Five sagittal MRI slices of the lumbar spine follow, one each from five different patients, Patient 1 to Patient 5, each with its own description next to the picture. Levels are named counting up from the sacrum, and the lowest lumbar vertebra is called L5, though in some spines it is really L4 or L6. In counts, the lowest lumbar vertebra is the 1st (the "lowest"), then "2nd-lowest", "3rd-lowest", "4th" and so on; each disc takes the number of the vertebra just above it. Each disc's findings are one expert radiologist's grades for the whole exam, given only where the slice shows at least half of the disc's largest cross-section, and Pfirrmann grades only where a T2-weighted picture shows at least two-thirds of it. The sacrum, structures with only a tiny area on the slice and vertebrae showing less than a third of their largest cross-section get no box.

Patient 1 of 5:
Lumbar spine MR, T2 SPACE (3D), sagittal; Slice 65 of 120; Field of view 240x300 mm

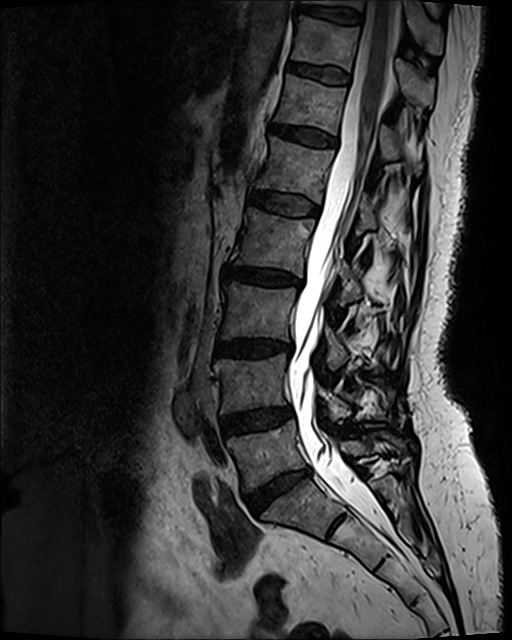
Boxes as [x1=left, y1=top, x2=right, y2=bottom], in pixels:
T10 vertebra: [x1=301, y1=0, x2=443, y2=51]
L5/S1: [x1=247, y1=470, x2=309, y2=514]
L1 vertebra: [x1=257, y1=137, x2=377, y2=229]
L3 vertebra: [x1=221, y1=281, x2=346, y2=369]
T12: [x1=275, y1=74, x2=421, y2=174]
intervertebral disc T11/T12: [x1=288, y1=63, x2=348, y2=83]
T12/L1: [x1=269, y1=124, x2=336, y2=146]
intervertebral disc L2/L3: [x1=223, y1=263, x2=300, y2=284]
L2 vertebra: [x1=231, y1=208, x2=361, y2=304]
T10/T11: [x1=295, y1=5, x2=361, y2=24]
T11: [x1=291, y1=16, x2=434, y2=105]
intervertebral disc L4/L5: [x1=223, y1=408, x2=291, y2=432]
intervertebral disc L3/L4: [x1=214, y1=339, x2=290, y2=354]
L4: [x1=214, y1=353, x2=350, y2=419]
intervertebral disc L1/L2: [x1=250, y1=191, x2=317, y2=215]
spinal canal: [x1=288, y1=1, x2=394, y2=534]
L5: [x1=227, y1=421, x2=405, y2=491]

Degenerative findings by level:
  L1/L2: Pfirrmann grade 2
  T10/T11: Pfirrmann grade 2
  T11/T12: Pfirrmann grade 2
  L3/L4: Pfirrmann grade 4, disc bulging, upper-endplate change, Modic type II, disc narrowing, lower-endplate change
  L2/L3: Pfirrmann grade 4, upper-endplate change, disc narrowing, lower-endplate change, Modic type II, disc bulging
  T12/L1: Pfirrmann grade 3, disc bulging
  L4/L5: Pfirrmann grade 3, disc bulging
  L5/S1: Pfirrmann grade 4, disc narrowing, disc bulging

Patient 2 of 5:
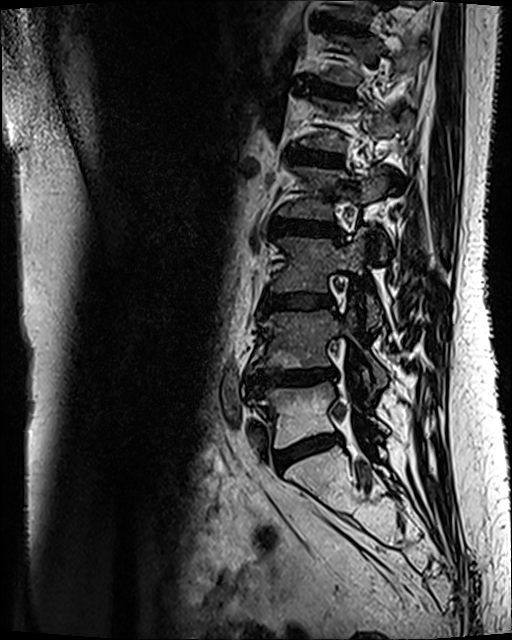
Patient sex: F, T2 SPACE (3D) sagittal MRI of the lumbar spine, Field of view 240x300 mm, slice spacing 0.9 mm

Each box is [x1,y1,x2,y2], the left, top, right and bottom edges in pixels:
L5: [253,382,388,448]
L4/L5: [245,368,335,395]
intervertebral disc L1/L2: [292,149,342,166]
L4: [249,306,387,397]
intervertebral disc T12/L1: [306,81,349,96]
intervertebral disc L5/S1: [275,434,342,471]
intervertebral disc L2/L3: [271,216,338,237]
L3: [271,229,381,326]
intervertebral disc L3/L4: [262,295,333,310]
T11/T12: [318,18,363,32]
L2: [280,167,391,259]

Radiological gradings:
- T11/T12: lower-endplate change, upper-endplate change, Modic type II
- L5/S1: Modic type II, disc bulging
- T12/L1: Modic type II
- L4/L5: Pfirrmann grade 4, Modic type II, lower-endplate change, disc bulging, disc narrowing, upper-endplate change
- L1/L2: Modic type II
- L3/L4: Pfirrmann grade 3, disc bulging, Modic type II
- L2/L3: Pfirrmann grade 3, disc bulging, Modic type II

Patient 3 of 5:
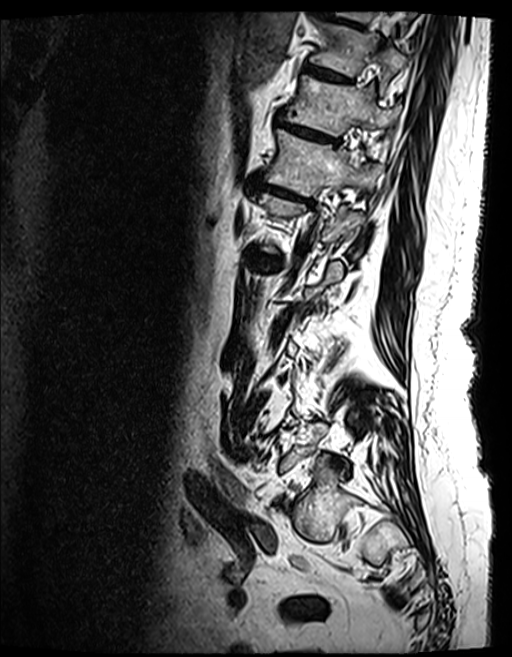

Sex F, MRI lumbar spine (T2 SPACE (3D)), sagittal plane
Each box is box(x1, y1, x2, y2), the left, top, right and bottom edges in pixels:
Structures:
- T12 vertebra = box(265, 129, 367, 196)
- IVD T9/T10 = box(315, 2, 362, 27)
- T10 vertebra = box(310, 21, 406, 82)
- T11 vertebra = box(285, 76, 397, 135)
- IVD T12/L1 = box(257, 183, 311, 203)
- T10/T11 = box(305, 65, 350, 82)
- T11/T12 = box(280, 122, 336, 142)

Per-level radiological findings:
• T12/L1: Pfirrmann grade 4, lower-endplate change, disc narrowing, disc bulging, Modic type II, upper-endplate change
• T9/T10: Pfirrmann grade 4, lower-endplate change, Modic type II, disc bulging, upper-endplate change
• T10/T11: Pfirrmann grade 4, Modic type II, upper-endplate change, lower-endplate change
• T11/T12: Pfirrmann grade 5, upper-endplate change, disc narrowing, disc bulging, Modic type II, lower-endplate change

Patient 4 of 5:
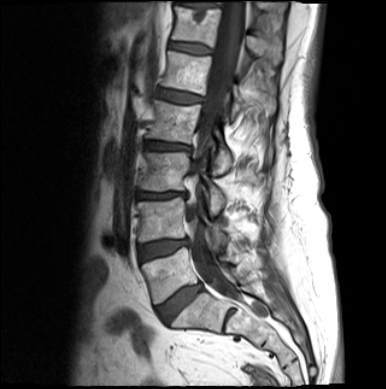 T1-weighted sagittal MRI of the lumbar spine. 386x389 px.

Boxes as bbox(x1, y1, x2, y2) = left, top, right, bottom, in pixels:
L1 = bbox(160, 51, 275, 117).
L2/L3 = bbox(146, 141, 192, 151).
Spinal canal = bbox(186, 1, 244, 299).
L5/S1 = bbox(158, 284, 201, 322).
L5 vertebra = bbox(142, 247, 233, 303).
L3 = bbox(140, 152, 226, 214).
Intervertebral disc T12/L1 = bbox(169, 42, 210, 53).
L2 = bbox(147, 100, 270, 174).
Intervertebral disc L4/L5 = bbox(139, 238, 191, 261).
Intervertebral disc L1/L2 = bbox(157, 89, 201, 102).
T12 = bbox(171, 6, 282, 64).
Intervertebral disc L3/L4 = bbox(137, 191, 189, 198).
L4 vertebra = bbox(137, 197, 227, 244).

Expert MSK radiologist gradings (per disc):
• L1/L2: disc bulging
• L2/L3: disc bulging
• L3/L4: disc narrowing, disc bulging
• L4/L5: disc bulging
• L5/S1: disc bulging
• T12/L1: no herniation, bulging, narrowing, spondylolisthesis, endplate or Modic change recorded

Patient 5 of 5:
T2 SPACE (3D) sagittal MRI of the lumbar spine; Slice 39 of 120; 512x640 px

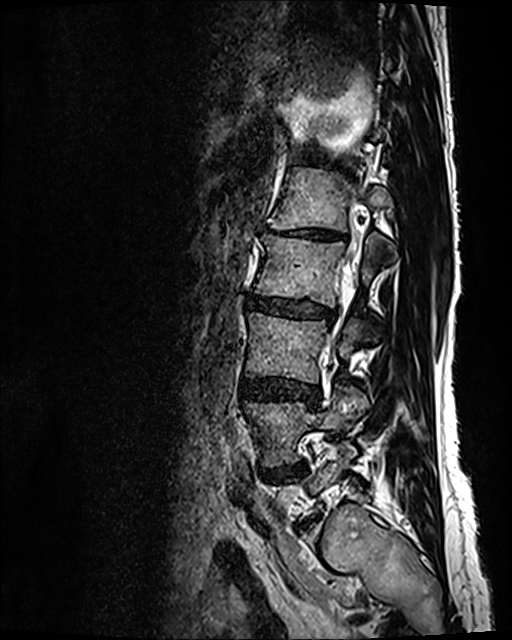

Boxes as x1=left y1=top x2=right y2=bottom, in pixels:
2nd-lowest vertebra at x1=245 y1=387 x2=368 y2=466, 2nd-lowest disc at x1=264 y1=466 x2=303 y2=477, 5th vertebra at x1=275 y1=166 x2=389 y2=231, 5th disc at x1=261 y1=224 x2=347 y2=241, 3rd-lowest vertebra at x1=247 y1=312 x2=379 y2=384, 4th disc at x1=248 y1=295 x2=334 y2=322, 6th disc at x1=298 y1=153 x2=322 y2=164, 3rd-lowest disc at x1=241 y1=378 x2=319 y2=403, 4th vertebra at x1=254 y1=235 x2=396 y2=307.

Degenerative findings by level:
• 4th disc: Pfirrmann grade 3, disc bulging, disc narrowing
• 5th disc: Pfirrmann grade 5, Modic type II, disc bulging, upper-endplate change, lower-endplate change, disc narrowing
• 3rd-lowest disc: Pfirrmann grade 3, disc bulging